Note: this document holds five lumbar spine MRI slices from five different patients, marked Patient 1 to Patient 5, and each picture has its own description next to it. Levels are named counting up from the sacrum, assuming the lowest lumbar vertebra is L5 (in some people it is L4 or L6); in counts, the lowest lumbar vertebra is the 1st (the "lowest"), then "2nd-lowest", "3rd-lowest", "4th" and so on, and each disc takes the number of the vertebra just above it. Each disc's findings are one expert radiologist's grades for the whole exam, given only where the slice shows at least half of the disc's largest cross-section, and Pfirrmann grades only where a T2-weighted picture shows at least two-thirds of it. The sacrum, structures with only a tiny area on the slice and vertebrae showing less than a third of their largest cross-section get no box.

Patient 1 of 5:
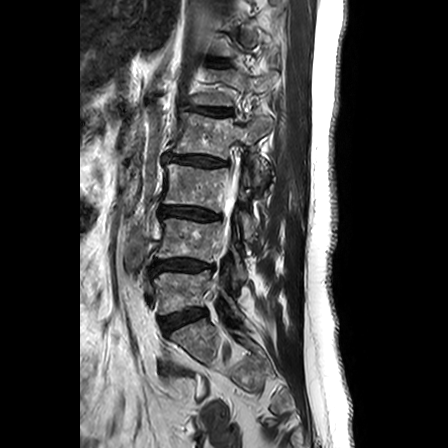 Sagittal T2-weighted lumbar spine MRI, Image 448x448
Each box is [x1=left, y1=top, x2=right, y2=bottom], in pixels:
spinal canal: [x1=220, y1=175, x2=237, y2=250]
3rd-lowest vertebra: [x1=164, y1=164, x2=256, y2=239]
lowest vertebra: [x1=154, y1=270, x2=241, y2=316]
5th disc: [x1=187, y1=105, x2=232, y2=115]
2nd-lowest disc: [x1=152, y1=259, x2=212, y2=273]
5th vertebra: [x1=192, y1=71, x2=277, y2=105]
3rd-lowest disc: [x1=162, y1=206, x2=219, y2=220]
lowest disc: [x1=161, y1=309, x2=206, y2=331]
4th vertebra: [x1=173, y1=112, x2=274, y2=180]
2nd-lowest vertebra: [x1=156, y1=218, x2=247, y2=281]
4th disc: [x1=166, y1=154, x2=226, y2=166]

Radiological gradings:
  5th disc: Pfirrmann grade 3, disc bulging, disc narrowing
  2nd-lowest disc: Pfirrmann grade 3, upper-endplate change, Modic type II, lower-endplate change, disc bulging
  3rd-lowest disc: Pfirrmann grade 3, upper-endplate change, Modic type II, lower-endplate change, disc narrowing, disc bulging
  4th disc: Pfirrmann grade 3, lower-endplate change, Modic type II, disc narrowing, disc bulging, upper-endplate change
  lowest disc: Pfirrmann grade 2, upper-endplate change, lower-endplate change, Modic type II

Patient 2 of 5:
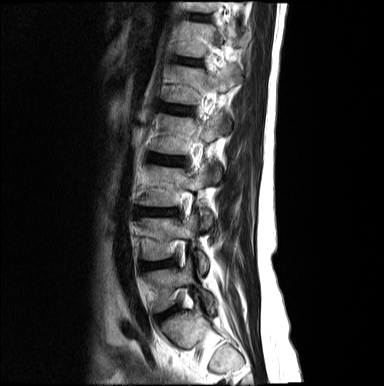
Patient sex: F. Sagittal slice index 4. Sagittal T2-weighted lumbar spine MRI.
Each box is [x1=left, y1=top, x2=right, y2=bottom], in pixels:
L4/L5: [x1=142, y1=260, x2=173, y2=269].
T12 vertebra: [x1=178, y1=22, x2=242, y2=56].
Intervertebral disc L1/L2: [x1=158, y1=103, x2=190, y2=113].
Intervertebral disc L3/L4: [x1=137, y1=207, x2=175, y2=214].
L4: [x1=139, y1=214, x2=208, y2=273].
L1: [x1=165, y1=65, x2=242, y2=104].
L5: [x1=147, y1=259, x2=214, y2=310].
L2: [x1=151, y1=113, x2=230, y2=179].
L2/L3: [x1=147, y1=153, x2=183, y2=164].
Intervertebral disc T12/L1: [x1=178, y1=58, x2=199, y2=64].
L3: [x1=140, y1=165, x2=211, y2=227].

Radiological gradings:
  L2/L3: disc bulging
  L1/L2: no spondylolisthesis, narrowing, bulging, herniation, Modic or endplate change recorded

Patient 3 of 5:
Slice 14/26, MRI lumbar spine (T2-weighted), sagittal plane, 508x511 px
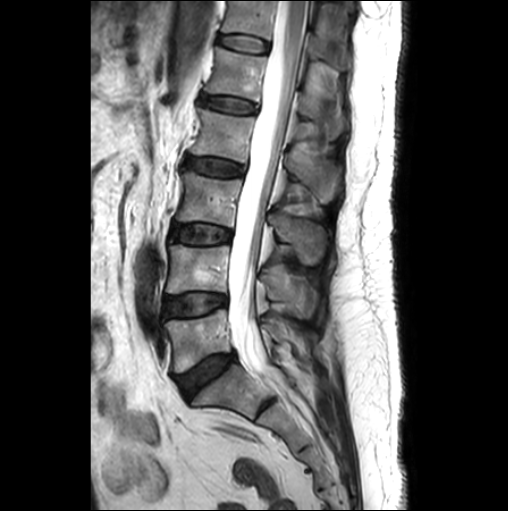 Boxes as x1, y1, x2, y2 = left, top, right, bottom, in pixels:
Spinal canal: 228, 1, 309, 373.
Lowest vertebra: 165, 309, 314, 372.
4th vertebra: 191, 108, 339, 202.
Lowest disc: 176, 353, 234, 398.
5th disc: 200, 95, 255, 112.
3rd-lowest vertebra: 176, 171, 325, 264.
3rd-lowest disc: 171, 224, 230, 244.
5th vertebra: 204, 47, 346, 140.
4th disc: 185, 157, 243, 175.
2nd-lowest disc: 165, 293, 226, 316.
6th vertebra: 222, 1, 347, 65.
2nd-lowest vertebra: 166, 245, 316, 317.
6th disc: 218, 35, 268, 52.

Expert MSK radiologist gradings (per disc):
- 3rd-lowest disc: Pfirrmann grade 2
- 4th disc: Pfirrmann grade 3
- 6th disc: Pfirrmann grade 1
- lowest disc: Pfirrmann grade 3, Modic type II, disc bulging
- 2nd-lowest disc: Pfirrmann grade 2, Modic type II
- 5th disc: Pfirrmann grade 2

Patient 4 of 5:
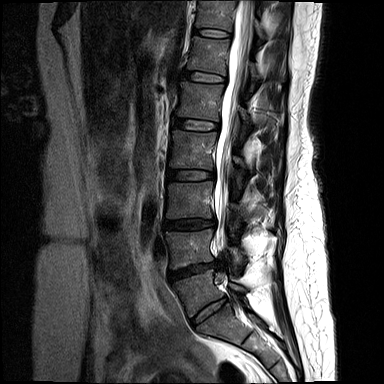 Lumbar spine MR, T2-weighted, sagittal
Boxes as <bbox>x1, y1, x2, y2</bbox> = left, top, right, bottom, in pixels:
Structures:
- 2nd-lowest vertebra: <bbox>166, 229, 246, 269</bbox>
- 4th disc: <bbox>168, 170, 214, 180</bbox>
- lowest disc: <bbox>192, 298, 227, 326</bbox>
- 7th disc: <bbox>193, 29, 229, 37</bbox>
- 3rd-lowest vertebra: <bbox>166, 181, 246, 225</bbox>
- thecal sac / spinal canal: <bbox>214, 0, 254, 290</bbox>
- 6th vertebra: <bbox>187, 37, 259, 88</bbox>
- 2nd-lowest disc: <bbox>169, 261, 224, 280</bbox>
- 5th vertebra: <bbox>176, 81, 251, 126</bbox>
- 4th vertebra: <bbox>169, 130, 246, 189</bbox>
- 5th disc: <bbox>174, 118, 219, 130</bbox>
- 7th vertebra: <bbox>196, 0, 265, 40</bbox>
- lowest vertebra: <bbox>173, 269, 246, 316</bbox>
- 3rd-lowest disc: <bbox>165, 219, 214, 228</bbox>
- 6th disc: <bbox>182, 71, 225, 81</bbox>

Radiological gradings:
• 7th disc: Pfirrmann grade 2
• 2nd-lowest disc: Pfirrmann grade 4, upper-endplate change, Modic type II, disc narrowing, disc herniation, lower-endplate change
• 3rd-lowest disc: Pfirrmann grade 4, upper-endplate change, disc bulging
• 4th disc: Pfirrmann grade 3, disc bulging
• 6th disc: Pfirrmann grade 2
• 5th disc: Pfirrmann grade 2
• lowest disc: Pfirrmann grade 2

Patient 5 of 5:
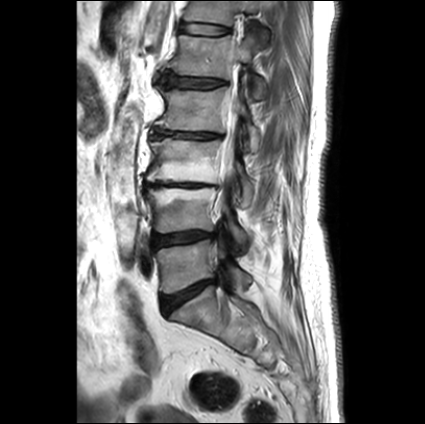
T2-weighted sagittal MRI of the lumbar spine. Sagittal slice index 10. Image 425x424.
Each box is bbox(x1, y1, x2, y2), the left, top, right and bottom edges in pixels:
L2 vertebra at bbox(155, 80, 260, 149); T12 vertebra at bbox(185, 1, 262, 25); thecal sac / spinal canal at bbox(216, 95, 238, 210); disc L4/L5 at bbox(152, 231, 213, 248); disc L1/L2 at bbox(161, 70, 226, 87); L4 vertebra at bbox(145, 188, 246, 242); disc L3/L4 at bbox(145, 183, 217, 188); disc T12/L1 at bbox(181, 22, 228, 34); disc L5/S1 at bbox(161, 280, 214, 314); L5 at bbox(155, 240, 250, 293); disc L2/L3 at bbox(152, 128, 223, 138); L3 vertebra at bbox(146, 138, 254, 205); L1 at bbox(170, 34, 266, 97).

Radiological gradings:
- L2/L3: Pfirrmann grade 1, upper-endplate change, disc bulging, disc narrowing, lower-endplate change
- L1/L2: Pfirrmann grade 4, disc bulging, upper-endplate change, lower-endplate change
- L5/S1: Pfirrmann grade 1, disc bulging
- L4/L5: Pfirrmann grade 2, disc bulging
- T12/L1: Pfirrmann grade 2
- L3/L4: Pfirrmann grade 5, disc bulging, lower-endplate change, Modic type II, disc narrowing, upper-endplate change